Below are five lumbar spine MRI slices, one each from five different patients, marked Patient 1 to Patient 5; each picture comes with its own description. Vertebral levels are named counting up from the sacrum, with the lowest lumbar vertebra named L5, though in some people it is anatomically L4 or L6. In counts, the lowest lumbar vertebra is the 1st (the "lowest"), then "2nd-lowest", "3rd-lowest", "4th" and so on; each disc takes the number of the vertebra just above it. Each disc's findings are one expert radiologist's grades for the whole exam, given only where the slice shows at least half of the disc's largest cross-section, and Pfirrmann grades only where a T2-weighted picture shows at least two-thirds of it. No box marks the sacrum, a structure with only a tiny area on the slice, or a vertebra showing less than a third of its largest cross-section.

Patient 1 of 5:
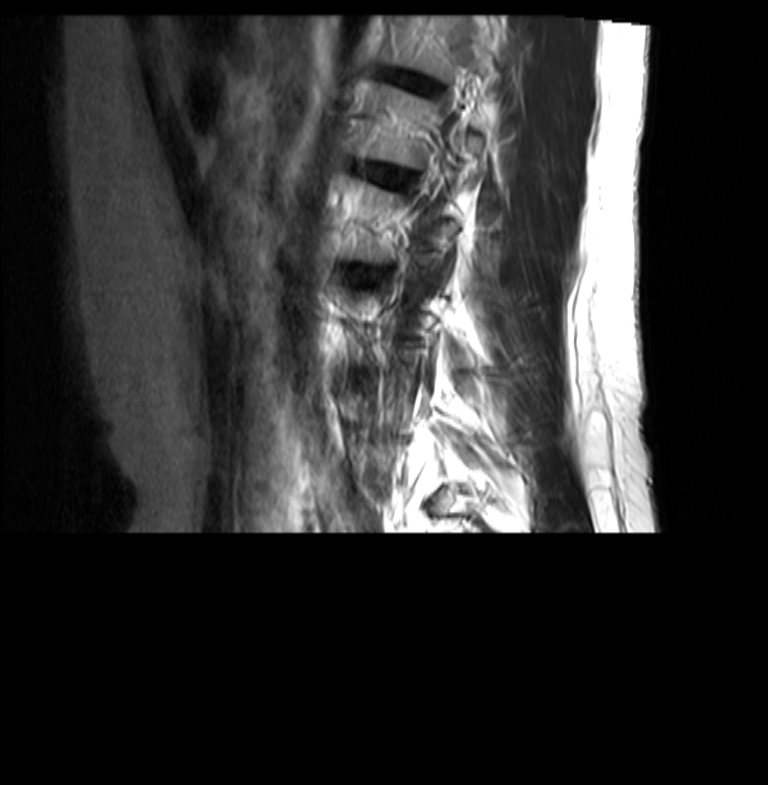

Patient sex: F. Sagittal T2-weighted lumbar spine MRI. Sagittal slice index 5.
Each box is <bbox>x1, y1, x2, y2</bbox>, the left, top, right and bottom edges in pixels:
Disc T12/L1 at <bbox>387, 71, 432, 92</bbox>, L1/L2 at <bbox>367, 164, 409, 186</bbox>, L1 vertebra at <bbox>361, 83, 483, 168</bbox>.

Patient 2 of 5:
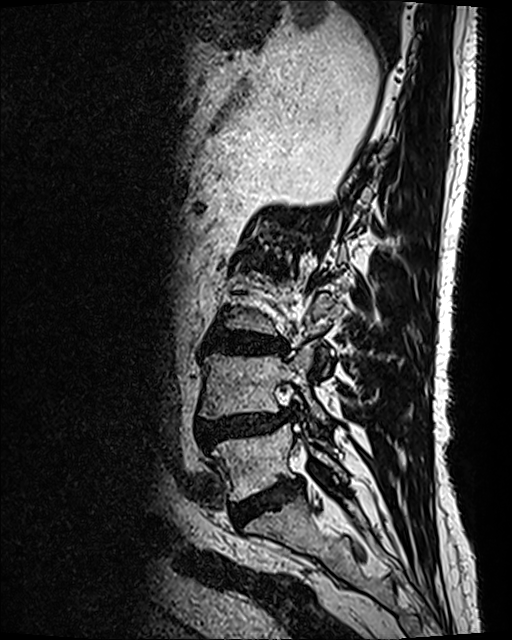 Lumbar spine MR, T2 SPACE (3D), sagittal. Slice spacing 0.9 mm.
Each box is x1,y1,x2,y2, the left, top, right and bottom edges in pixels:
{"L2/L3 (4th disc)": "267,264,278,271", "L5 (lowest vertebra)": "215,424,346,499", "L4 (2nd-lowest vertebra)": "200,343,327,424", "disc L4/L5 (2nd-lowest disc)": "197,413,284,448", "L3/L4 (3rd-lowest disc)": "205,329,286,352", "disc L5/S1 (lowest disc)": "238,478,302,520"}

Degenerative findings by level:
- L4/L5 (2nd-lowest disc): Pfirrmann grade 4, upper-endplate change, disc herniation, disc narrowing, spondylolisthesis, Modic type II, disc bulging, lower-endplate change
- L3/L4 (3rd-lowest disc): Pfirrmann grade 4, upper-endplate change, disc bulging, lower-endplate change
- L5/S1 (lowest disc): no Modic or endplate change, herniation, narrowing, bulging or spondylolisthesis recorded

Patient 3 of 5:
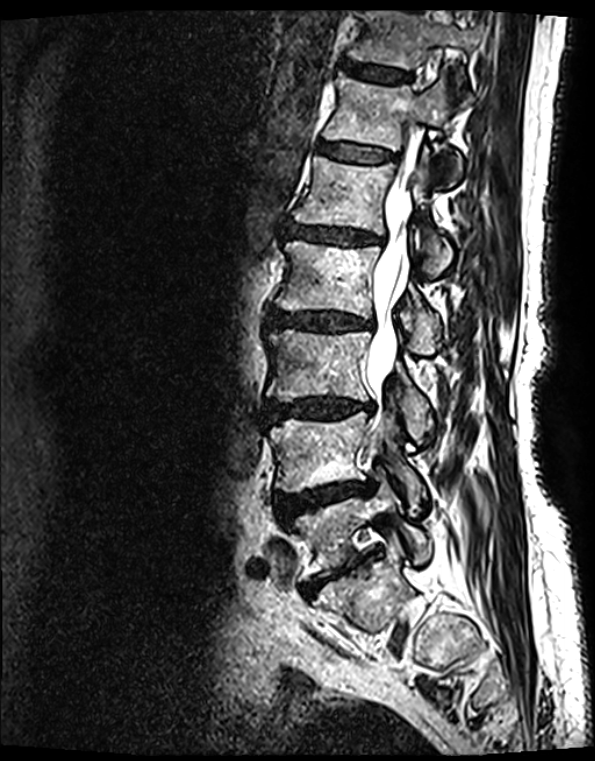 Field of view 240x307 mm, slice spacing 0.9 mm | Sagittal T2 SPACE (3D) lumbar spine MRI | Sagittal slice index 83 | 595x761 px
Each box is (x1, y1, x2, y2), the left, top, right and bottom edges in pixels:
* L4 (2nd-lowest vertebra) at (269, 412, 424, 512)
* L1 (5th vertebra) at (294, 159, 451, 277)
* L2/L3 (4th disc) at (270, 313, 370, 330)
* L5 (lowest vertebra) at (288, 480, 430, 580)
* L3/L4 (3rd-lowest disc) at (269, 397, 371, 422)
* L5/S1 (lowest disc) at (301, 556, 365, 595)
* T11 (7th vertebra) at (345, 11, 477, 96)
* L1/L2 (5th disc) at (288, 225, 376, 245)
* intervertebral disc T12/L1 (6th disc) at (317, 144, 391, 163)
* T12 (6th vertebra) at (322, 76, 461, 187)
* L2 (4th vertebra) at (276, 242, 440, 354)
* spinal canal at (365, 118, 420, 419)
* L3 (3rd-lowest vertebra) at (266, 330, 430, 443)
* L4/L5 (2nd-lowest disc) at (276, 482, 368, 527)
* T11/T12 (7th disc) at (342, 63, 411, 83)

Per-level radiological findings:
• L3/L4 (3rd-lowest disc): Pfirrmann grade 4, upper-endplate change, disc narrowing, Modic type II, disc bulging, lower-endplate change
• L1/L2 (5th disc): Pfirrmann grade 4, Modic type II, disc bulging, upper-endplate change, lower-endplate change, disc narrowing
• T12/L1 (6th disc): Pfirrmann grade 2, lower-endplate change, upper-endplate change, Modic type II
• L2/L3 (4th disc): Pfirrmann grade 4, disc bulging, disc narrowing, Modic type II, lower-endplate change, upper-endplate change
• T11/T12 (7th disc): Pfirrmann grade 2, lower-endplate change, Modic type II, upper-endplate change
• L4/L5 (2nd-lowest disc): Pfirrmann grade 4, upper-endplate change, disc bulging, lower-endplate change, Modic type II, disc narrowing, disc herniation

Patient 4 of 5:
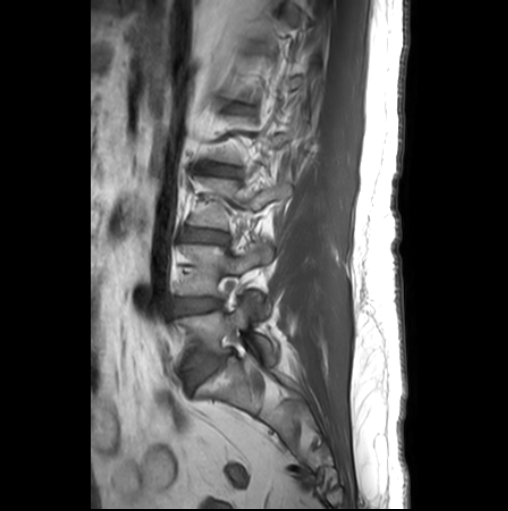 T1-weighted sagittal MRI of the lumbar spine
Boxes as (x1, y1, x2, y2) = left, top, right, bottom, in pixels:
Lowest vertebra at (179, 293, 275, 368).
4th disc at (204, 164, 237, 174).
Lowest disc at (185, 351, 232, 390).
3rd-lowest vertebra at (189, 176, 292, 229).
2nd-lowest vertebra at (179, 244, 272, 310).
2nd-lowest disc at (175, 298, 220, 313).
3rd-lowest disc at (184, 228, 228, 243).

Degenerative findings by level:
- 3rd-lowest disc: no herniation, bulging, narrowing, spondylolisthesis, endplate or Modic change recorded

Patient 5 of 5:
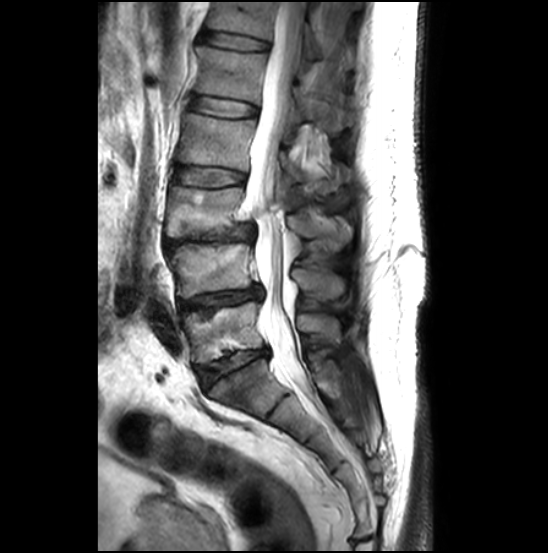 Lumbar spine MR, T2-weighted, sagittal | Slice spacing 3.3 mm
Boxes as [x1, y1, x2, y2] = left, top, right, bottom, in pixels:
T12 (6th vertebra) — [207, 2, 353, 67].
Disc L3/L4 (3rd-lowest disc) — [164, 224, 255, 250].
L4/L5 (2nd-lowest disc) — [180, 285, 262, 314].
L1 (5th vertebra) — [196, 46, 353, 130].
Disc L1/L2 (5th disc) — [190, 96, 257, 115].
L2/L3 (4th disc) — [176, 167, 245, 186].
L5 (lowest vertebra) — [184, 302, 339, 364].
L2 (4th vertebra) — [177, 113, 350, 194].
L3 (3rd-lowest vertebra) — [165, 185, 349, 249].
Disc L5/S1 (lowest disc) — [198, 348, 268, 389].
Disc T12/L1 (6th disc) — [202, 30, 268, 49].
L4 (2nd-lowest vertebra) — [168, 242, 344, 298].
Thecal sac / spinal canal — [246, 2, 304, 385].

Per-level radiological findings:
  L4/L5 (2nd-lowest disc): Pfirrmann grade 3, lower-endplate change, Modic type II, disc bulging, upper-endplate change, disc narrowing
  L2/L3 (4th disc): Pfirrmann grade 2
  L3/L4 (3rd-lowest disc): Pfirrmann grade 5, lower-endplate change, Modic type II, upper-endplate change, disc narrowing, spondylolisthesis, disc herniation
  L1/L2 (5th disc): Pfirrmann grade 2
  T12/L1 (6th disc): Pfirrmann grade 2
  L5/S1 (lowest disc): Pfirrmann grade 3, disc narrowing, Modic type II, upper-endplate change, disc bulging, lower-endplate change